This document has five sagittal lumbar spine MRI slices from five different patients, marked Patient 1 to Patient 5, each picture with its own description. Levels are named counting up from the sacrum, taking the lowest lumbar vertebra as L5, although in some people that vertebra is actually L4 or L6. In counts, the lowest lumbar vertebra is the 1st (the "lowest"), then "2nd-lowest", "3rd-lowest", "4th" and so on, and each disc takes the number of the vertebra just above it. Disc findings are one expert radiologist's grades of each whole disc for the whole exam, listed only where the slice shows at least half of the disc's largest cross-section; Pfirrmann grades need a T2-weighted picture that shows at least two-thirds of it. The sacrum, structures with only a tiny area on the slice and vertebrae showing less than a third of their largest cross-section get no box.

Patient 1 of 5:
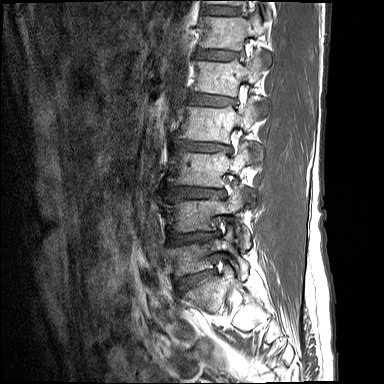
Sagittal T1-weighted lumbar spine MRI
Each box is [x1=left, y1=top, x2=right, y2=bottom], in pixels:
6th vertebra at [x1=201, y1=11, x2=266, y2=50].
3rd-lowest vertebra at [x1=168, y1=143, x2=261, y2=187].
4th disc at [x1=174, y1=141, x2=231, y2=152].
2nd-lowest disc at [x1=169, y1=231, x2=219, y2=244].
2nd-lowest vertebra at [x1=163, y1=185, x2=250, y2=248].
6th disc at [x1=196, y1=48, x2=237, y2=61].
5th vertebra at [x1=192, y1=53, x2=270, y2=96].
7th vertebra at [x1=206, y1=0, x2=270, y2=16].
7th disc at [x1=205, y1=6, x2=238, y2=15].
Lowest vertebra at [x1=167, y1=226, x2=248, y2=280].
4th vertebra at [x1=174, y1=99, x2=266, y2=143].
3rd-lowest disc at [x1=170, y1=186, x2=224, y2=198].
5th disc at [x1=187, y1=92, x2=233, y2=106].
Lowest disc at [x1=177, y1=269, x2=214, y2=293].

Per-level radiological findings:
  6th disc: upper-endplate change, lower-endplate change
  4th disc: lower-endplate change, disc narrowing, disc bulging, upper-endplate change
  5th disc: disc bulging, upper-endplate change, lower-endplate change
  3rd-lowest disc: disc bulging, upper-endplate change, lower-endplate change
  lowest disc: lower-endplate change, upper-endplate change, disc narrowing, disc bulging
  7th disc: no Modic or endplate change, herniation, narrowing, bulging or spondylolisthesis recorded

Patient 2 of 5:
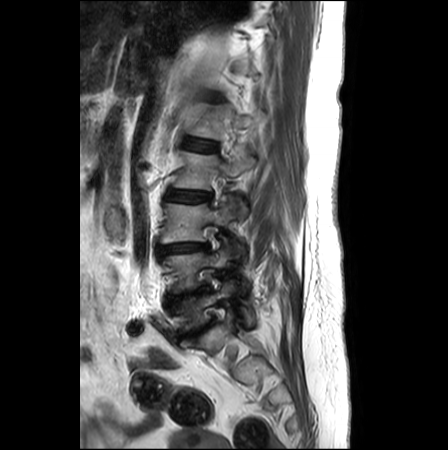
Image 448x450; Lumbar spine MR, T2-weighted, sagittal
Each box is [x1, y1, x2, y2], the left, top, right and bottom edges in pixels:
IVD L4/L5 at [169, 287, 206, 297], IVD L3/L4 at [158, 243, 209, 253], L2 at [174, 148, 255, 220], L1/L2 at [185, 140, 216, 151], IVD L2/L3 at [167, 191, 210, 201], L3 vertebra at [162, 195, 235, 242], L5/S1 at [182, 320, 215, 336], L4 at [163, 246, 232, 292], L5 vertebra at [167, 279, 253, 331].

Degenerative findings by level:
• L3/L4: Pfirrmann grade 4, lower-endplate change, upper-endplate change, disc bulging, disc narrowing
• L2/L3: Pfirrmann grade 3, disc bulging
• L1/L2: no herniation, bulging, narrowing, spondylolisthesis, endplate or Modic change recorded

Patient 3 of 5:
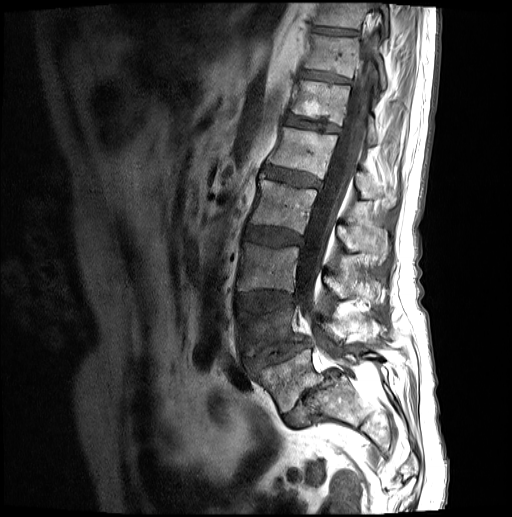 T1-weighted sagittal MRI of the lumbar spine; Slice 12 of 24

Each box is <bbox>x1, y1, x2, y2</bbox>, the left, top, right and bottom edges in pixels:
L2: <bbox>250, 180, 387, 262</bbox>.
Disc T11/T12: <bbox>300, 70, 349, 82</bbox>.
Disc L1/L2: <bbox>264, 167, 319, 187</bbox>.
L5 vertebra: <bbox>249, 349, 381, 412</bbox>.
L1 vertebra: <bbox>268, 127, 399, 208</bbox>.
L4: <bbox>237, 304, 346, 356</bbox>.
T12: <bbox>292, 81, 405, 148</bbox>.
T11 vertebra: <bbox>304, 34, 386, 89</bbox>.
T10: <bbox>313, 3, 389, 32</bbox>.
Disc L5/S1: <bbox>283, 369, 337, 426</bbox>.
Disc L4/L5: <bbox>243, 340, 309, 369</bbox>.
L2/L3: <bbox>245, 226, 302, 245</bbox>.
T12/L1: <bbox>286, 115, 338, 133</bbox>.
Spinal canal: <bbox>296, 3, 376, 357</bbox>.
Disc L3/L4: <bbox>235, 291, 296, 310</bbox>.
Disc T10/T11: <bbox>312, 26, 357, 35</bbox>.
L3 vertebra: <bbox>237, 242, 375, 298</bbox>.

Radiological gradings:
• L4/L5: upper-endplate change, disc narrowing, spondylolisthesis, disc herniation, lower-endplate change
• L5/S1: disc narrowing, Modic type II, disc herniation, spondylolisthesis
• L2/L3: disc bulging
• L3/L4: lower-endplate change, upper-endplate change, disc bulging
• L1/L2, T11/T12, T10/T11, T12/L1: no spondylolisthesis, narrowing, bulging, herniation, Modic or endplate change recorded

Patient 4 of 5:
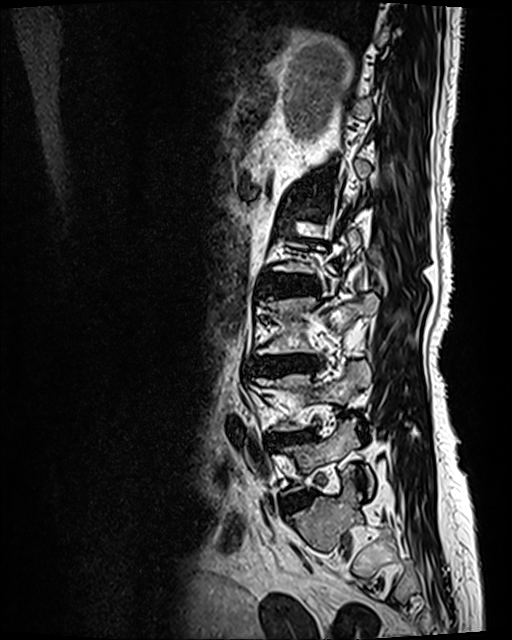 Lumbar spine MR, T2 SPACE (3D), sagittal

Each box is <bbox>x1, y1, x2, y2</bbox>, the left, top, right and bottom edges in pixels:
Disc L5/S1 (lowest disc) — <bbox>286, 492, 308, 507</bbox>.
Disc L2/L3 (4th disc) — <bbox>271, 279, 315, 293</bbox>.
Disc L3/L4 (3rd-lowest disc) — <bbox>251, 355, 317, 373</bbox>.
L5 (lowest vertebra) — <bbox>285, 419, 374, 493</bbox>.
L4 (2nd-lowest vertebra) — <bbox>255, 361, 370, 430</bbox>.
Disc L4/L5 (2nd-lowest disc) — <bbox>269, 431, 313, 446</bbox>.

Expert MSK radiologist gradings (per disc):
  L3/L4 (3rd-lowest disc): Pfirrmann grade 4, Modic type II, disc bulging, upper-endplate change, disc narrowing, lower-endplate change

Patient 5 of 5:
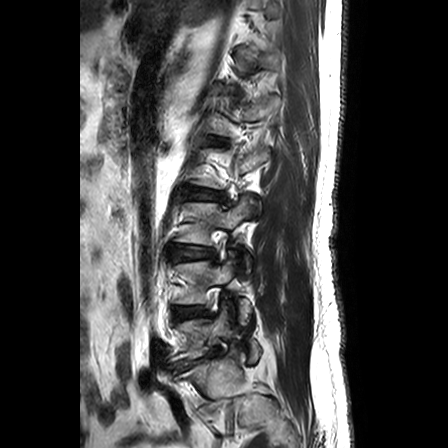 MRI lumbar spine (T2-weighted), sagittal plane.

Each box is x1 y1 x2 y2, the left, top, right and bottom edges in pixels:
{"L3 (3rd-lowest vertebra)": "180 196 255 270", "disc L4/L5 (2nd-lowest disc)": "175 307 200 319", "L3/L4 (3rd-lowest disc)": "177 246 212 259", "disc L5/S1 (lowest disc)": "170 348 218 374", "L4 (2nd-lowest vertebra)": "177 259 250 324", "L2/L3 (4th disc)": "192 190 223 201", "L5 (lowest vertebra)": "174 305 258 365"}

Expert MSK radiologist gradings (per disc):
• L3/L4 (3rd-lowest disc): disc bulging
• L5/S1 (lowest disc): disc bulging, disc narrowing, Modic type II, disc herniation, upper-endplate change, lower-endplate change, spondylolisthesis